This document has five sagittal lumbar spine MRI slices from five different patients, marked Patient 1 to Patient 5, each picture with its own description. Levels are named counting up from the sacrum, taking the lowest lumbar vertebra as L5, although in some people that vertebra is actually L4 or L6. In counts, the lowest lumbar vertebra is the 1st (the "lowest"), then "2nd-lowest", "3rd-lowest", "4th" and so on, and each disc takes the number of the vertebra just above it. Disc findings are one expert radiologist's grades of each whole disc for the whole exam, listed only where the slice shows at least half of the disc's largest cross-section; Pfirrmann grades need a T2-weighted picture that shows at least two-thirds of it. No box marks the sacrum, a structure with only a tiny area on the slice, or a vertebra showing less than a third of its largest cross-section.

Patient 1 of 5:
Sagittal T2-weighted lumbar spine MRI. Sagittal slice index 14.

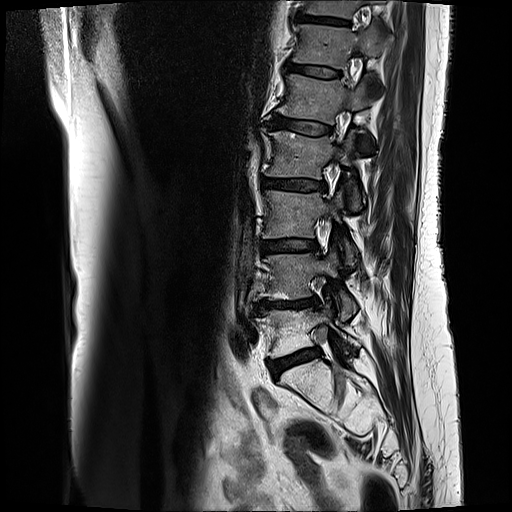
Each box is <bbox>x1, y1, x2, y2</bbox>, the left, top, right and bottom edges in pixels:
IVD L3/L4 (3rd-lowest disc): <bbox>260, 239, 317, 253</bbox>.
L1 (5th vertebra): <bbox>279, 74, 371, 123</bbox>.
T11 (7th vertebra): <bbox>306, 0, 385, 17</bbox>.
L4/L5 (2nd-lowest disc): <bbox>251, 296, 318, 313</bbox>.
L5 (lowest vertebra): <bbox>257, 305, 358, 357</bbox>.
L4 (2nd-lowest vertebra): <bbox>257, 250, 355, 319</bbox>.
T11/T12 (7th disc): <bbox>295, 13, 350, 25</bbox>.
L2 (4th vertebra): <bbox>269, 130, 361, 209</bbox>.
L5/S1 (lowest disc): <bbox>269, 348, 320, 377</bbox>.
L2/L3 (4th disc): <bbox>264, 178, 326, 191</bbox>.
L1/L2 (5th disc): <bbox>267, 114, 330, 133</bbox>.
L3 (3rd-lowest vertebra): <bbox>265, 190, 354, 264</bbox>.
IVD T12/L1 (6th disc): <bbox>286, 63, 340, 76</bbox>.
T12 (6th vertebra): <bbox>295, 26, 392, 66</bbox>.

Radiological gradings:
• L3/L4 (3rd-lowest disc): Pfirrmann grade 3, disc bulging, Modic type II
• T12/L1 (6th disc): Pfirrmann grade 3, Modic type II
• T11/T12 (7th disc): Modic type II, upper-endplate change, lower-endplate change
• L1/L2 (5th disc): Pfirrmann grade 3, Modic type II
• L4/L5 (2nd-lowest disc): Modic type II, upper-endplate change, disc narrowing, disc bulging, lower-endplate change
• L5/S1 (lowest disc): disc bulging, Modic type II
• L2/L3 (4th disc): Pfirrmann grade 3, Modic type II, disc bulging

Patient 2 of 5:
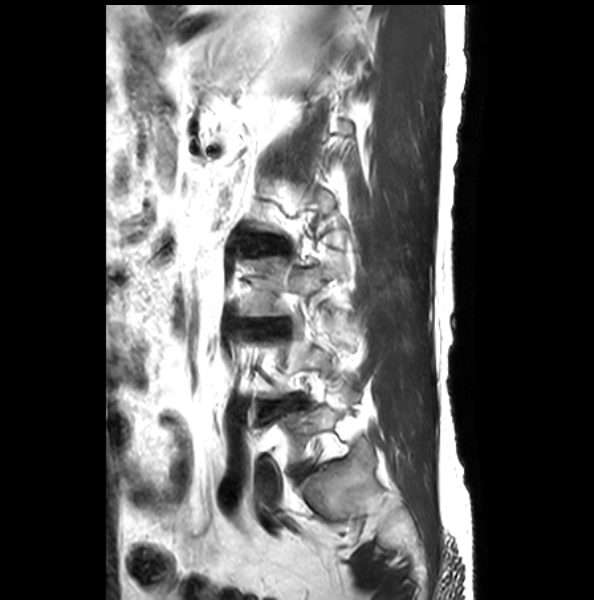 Image 594x600 | Slice 22/28 | Sagittal T2-weighted lumbar spine MRI
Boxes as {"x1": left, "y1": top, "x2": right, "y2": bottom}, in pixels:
IVD L4/L5: {"x1": 261, "y1": 395, "x2": 304, "y2": 416}
L3: {"x1": 239, "y1": 257, "x2": 344, "y2": 318}
L5/S1: {"x1": 294, "y1": 463, "x2": 312, "y2": 480}
IVD L3/L4: {"x1": 248, "y1": 321, "x2": 279, "y2": 334}

Patient 3 of 5:
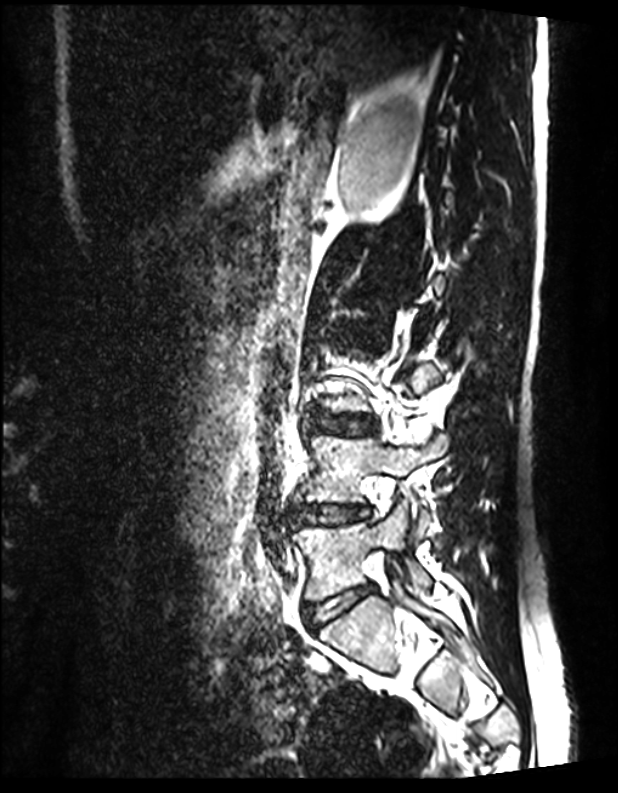

Patient sex: M, Slice spacing 0.9 mm, T2 SPACE (3D) sagittal MRI of the lumbar spine

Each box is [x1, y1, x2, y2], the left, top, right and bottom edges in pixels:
Disc L4/L5 = [292, 504, 367, 524].
L5 vertebra = [292, 504, 430, 602].
L5/S1 = [304, 585, 374, 629].
L4 vertebra = [298, 434, 447, 539].
Disc L3/L4 = [310, 413, 377, 436].
Disc L2/L3 = [339, 329, 362, 340].

Radiological gradings:
  L4/L5, L3/L4, L5/S1: no spondylolisthesis, narrowing, bulging, herniation, Modic or endplate change recorded

Patient 4 of 5:
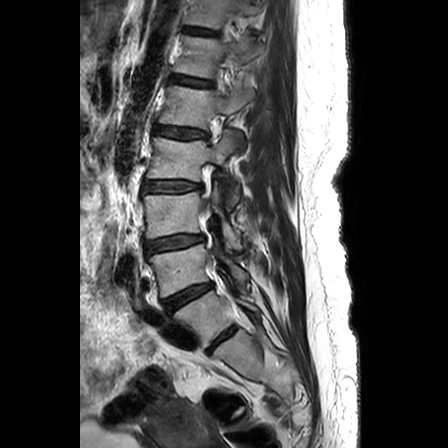

Lumbar spine MR, T2-weighted, sagittal. 448x448 px.

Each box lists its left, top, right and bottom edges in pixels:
L3/L4 (3rd-lowest disc) = left=144, top=235, right=202, bottom=254 | intervertebral disc L1/L2 (5th disc) = left=153, top=127, right=206, bottom=138 | T11 (7th vertebra) = left=185, top=0, right=255, bottom=28 | L5 (lowest vertebra) = left=174, top=290, right=258, bottom=348 | L4 (2nd-lowest vertebra) = left=149, top=233, right=247, bottom=297 | L3 (3rd-lowest vertebra) = left=143, top=186, right=240, bottom=248 | intervertebral disc L5/S1 (lowest disc) = left=207, top=326, right=236, bottom=352 | L2 (4th vertebra) = left=146, top=130, right=239, bottom=210 | L2/L3 (4th disc) = left=143, top=181, right=201, bottom=192 | intervertebral disc T12/L1 (6th disc) = left=170, top=75, right=209, bottom=86 | intervertebral disc L4/L5 (2nd-lowest disc) = left=164, top=284, right=211, bottom=312 | L1 (5th vertebra) = left=159, top=82, right=253, bottom=139 | T11/T12 (7th disc) = left=183, top=27, right=216, bottom=34 | T12 (6th vertebra) = left=173, top=35, right=257, bottom=77

Radiological gradings:
  L3/L4 (3rd-lowest disc): Pfirrmann grade 3, lower-endplate change, disc bulging, upper-endplate change
  T12/L1 (6th disc): upper-endplate change, lower-endplate change
  T11/T12 (7th disc): upper-endplate change, lower-endplate change
  L1/L2 (5th disc): Pfirrmann grade 3, disc bulging, upper-endplate change, lower-endplate change
  L2/L3 (4th disc): Pfirrmann grade 3, lower-endplate change, upper-endplate change, disc bulging
  L4/L5 (2nd-lowest disc): Pfirrmann grade 4, disc bulging, disc narrowing
  L5/S1 (lowest disc): no herniation, bulging, narrowing, spondylolisthesis, endplate or Modic change recorded

Patient 5 of 5:
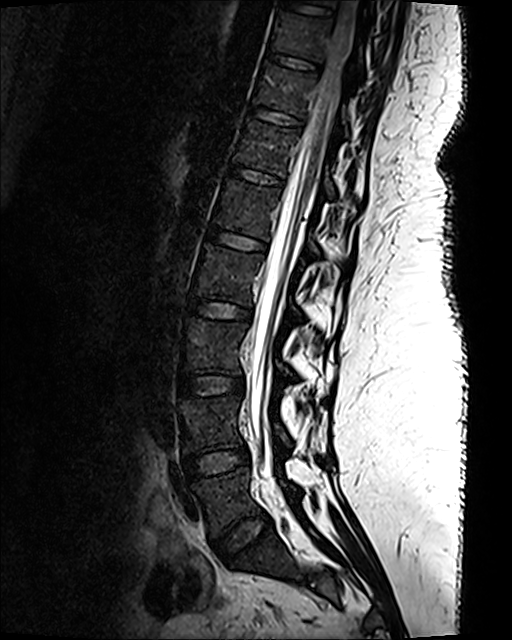 Image 512x640. Sex F. T2 SPACE (3D) sagittal MRI of the lumbar spine. Field of view 240x300 mm.
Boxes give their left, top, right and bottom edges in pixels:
Intervertebral disc L3/L4: left=179, top=374, right=243, bottom=396.
T10 vertebra: left=273, top=11, right=360, bottom=72.
L1/L2: left=208, top=228, right=265, bottom=250.
L4: left=179, top=394, right=291, bottom=453.
L2 vertebra: left=192, top=244, right=300, bottom=317.
Spinal canal: left=247, top=0, right=357, bottom=480.
Intervertebral disc L2/L3: left=188, top=298, right=250, bottom=319.
Intervertebral disc T10/T11: left=267, top=52, right=319, bottom=71.
T11/T12: left=250, top=107, right=302, bottom=126.
L3: left=181, top=317, right=292, bottom=378.
L5/S1: left=214, top=512, right=270, bottom=562.
T11 vertebra: left=253, top=64, right=347, bottom=133.
Intervertebral disc L4/L5: left=184, top=445, right=250, bottom=478.
L1: left=212, top=179, right=318, bottom=257.
L5 vertebra: left=191, top=467, right=297, bottom=537.
T12/L1: left=229, top=164, right=282, bottom=185.
T12 vertebra: left=235, top=120, right=334, bottom=197.

Expert MSK radiologist gradings (per disc):
- L3/L4: Pfirrmann grade 1
- T10/T11: Pfirrmann grade 1
- T11/T12: Pfirrmann grade 1
- L1/L2: Pfirrmann grade 1
- L4/L5: Pfirrmann grade 1
- L2/L3: Pfirrmann grade 1
- T12/L1: Pfirrmann grade 1
- L5/S1: Pfirrmann grade 1